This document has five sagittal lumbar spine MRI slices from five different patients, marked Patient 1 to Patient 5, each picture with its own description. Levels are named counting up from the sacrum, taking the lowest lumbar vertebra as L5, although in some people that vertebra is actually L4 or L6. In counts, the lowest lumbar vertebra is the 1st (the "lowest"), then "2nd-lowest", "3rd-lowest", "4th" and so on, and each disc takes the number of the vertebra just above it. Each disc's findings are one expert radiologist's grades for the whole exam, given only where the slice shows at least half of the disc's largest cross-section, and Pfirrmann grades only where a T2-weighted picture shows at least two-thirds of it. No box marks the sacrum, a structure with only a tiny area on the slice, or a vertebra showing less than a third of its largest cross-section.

Patient 1 of 5:
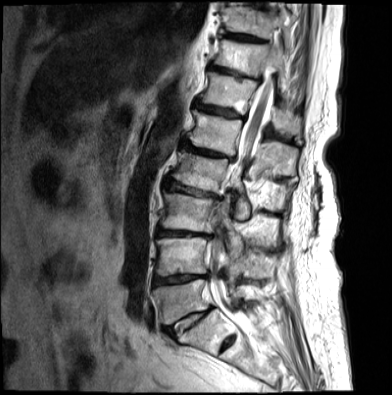 Sagittal T2-weighted lumbar spine MRI; Sex F; Sagittal slice index 8
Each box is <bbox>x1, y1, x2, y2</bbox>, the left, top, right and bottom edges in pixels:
L2/L3 (4th disc) at <bbox>163, 179, 219, 200</bbox>, disc L3/L4 (3rd-lowest disc) at <bbox>155, 227, 210, 239</bbox>, L1 (5th vertebra) at <bbox>187, 110, 297, 180</bbox>, T10 (8th vertebra) at <bbox>218, 2, 294, 49</bbox>, L4/L5 (2nd-lowest disc) at <bbox>151, 275, 206, 286</bbox>, disc T9/T10 (9th disc) at <bbox>238, 1, 263, 8</bbox>, thecal sac / spinal canal at <bbox>207, 62, 275, 327</bbox>, L1/L2 (5th disc) at <bbox>180, 141, 233, 162</bbox>, L5 (lowest vertebra) at <bbox>151, 280, 276, 325</bbox>, L3 (3rd-lowest vertebra) at <bbox>159, 191, 242, 257</bbox>, L2 (4th vertebra) at <bbox>170, 152, 249, 219</bbox>, L5/S1 (lowest disc) at <bbox>164, 308, 211, 340</bbox>, disc T11/T12 (7th disc) at <bbox>208, 65, 245, 76</bbox>, T12 (6th vertebra) at <bbox>200, 72, 302, 136</bbox>, T12/L1 (6th disc) at <bbox>194, 101, 242, 118</bbox>, T11 (7th vertebra) at <bbox>212, 40, 287, 91</bbox>, L4 (2nd-lowest vertebra) at <bbox>154, 237, 243, 281</bbox>, T10/T11 (8th disc) at <bbox>220, 32, 266, 43</bbox>.

Expert MSK radiologist gradings (per disc):
• L3/L4 (3rd-lowest disc): Pfirrmann grade 5, Modic type II, disc narrowing, upper-endplate change, disc bulging, lower-endplate change
• L2/L3 (4th disc): Pfirrmann grade 3, disc bulging, disc narrowing, disc herniation, Modic type II, lower-endplate change, upper-endplate change
• T12/L1 (6th disc): Pfirrmann grade 4, lower-endplate change, disc bulging, disc narrowing, Modic type II, upper-endplate change
• T11/T12 (7th disc): Pfirrmann grade 4, disc bulging, disc narrowing, Modic type II
• L5/S1 (lowest disc): Pfirrmann grade 3, spondylolisthesis, disc bulging, Modic type II, disc narrowing
• L1/L2 (5th disc): Pfirrmann grade 4, Modic type II, lower-endplate change, disc bulging, upper-endplate change, disc narrowing
• L4/L5 (2nd-lowest disc): Pfirrmann grade 5, disc narrowing, disc bulging, Modic type II, upper-endplate change, lower-endplate change
• T10/T11 (8th disc): Pfirrmann grade 4, Modic type II
• T9/T10 (9th disc): no Modic or endplate change, herniation, narrowing, bulging or spondylolisthesis recorded

Patient 2 of 5:
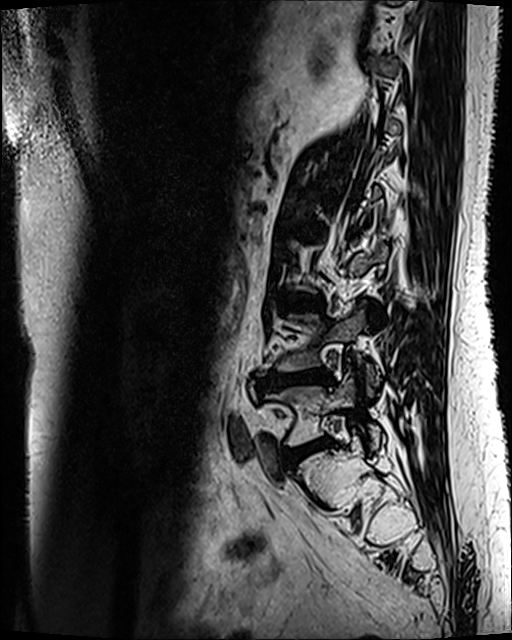
Sex F | Lumbar spine MR, T2 SPACE (3D), sagittal | Image 512x640 | Slice spacing 0.9 mm

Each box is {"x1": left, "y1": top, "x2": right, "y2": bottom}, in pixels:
• L5 (lowest vertebra): {"x1": 271, "y1": 373, "x2": 383, "y2": 447}
• L4 (2nd-lowest vertebra): {"x1": 275, "y1": 312, "x2": 379, "y2": 396}
• disc L4/L5 (2nd-lowest disc): {"x1": 263, "y1": 371, "x2": 332, "y2": 389}
• L3/L4 (3rd-lowest disc): {"x1": 284, "y1": 296, "x2": 320, "y2": 308}
• L5/S1 (lowest disc): {"x1": 283, "y1": 440, "x2": 331, "y2": 466}

Expert MSK radiologist gradings (per disc):
• L4/L5 (2nd-lowest disc): Modic type II, disc bulging, disc narrowing, lower-endplate change, upper-endplate change

Patient 3 of 5:
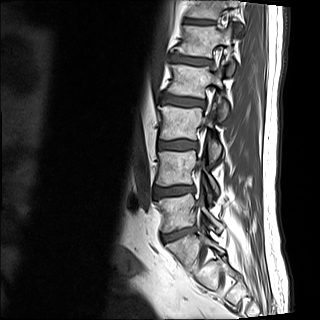 Lumbar spine MR, T1-weighted, sagittal. Image 320x320. Slice 5/15.

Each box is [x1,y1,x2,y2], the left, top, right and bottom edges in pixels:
L2 at [166,62,228,119], L5/S1 at [162,227,195,242], intervertebral disc L2/L3 at [162,95,205,106], intervertebral disc L1/L2 at [171,56,210,65], L4 vertebra at [156,150,219,194], L4/L5 at [154,186,194,198], T12 vertebra at [188,0,239,19], L3/L4 at [158,140,197,149], L1 at [176,24,241,75], intervertebral disc T12/L1 at [187,19,213,24], L5 at [157,193,221,232], L3 at [158,103,221,162].

Radiological gradings:
  L5/S1: lower-endplate change, disc narrowing, Modic type II, disc herniation, upper-endplate change
  L1/L2: lower-endplate change, upper-endplate change, Modic type II
  L2/L3: lower-endplate change, upper-endplate change, Modic type II, disc bulging
  L4/L5: upper-endplate change, lower-endplate change, disc bulging
  L3/L4, T12/L1: no Modic or endplate change, herniation, narrowing, bulging or spondylolisthesis recorded

Patient 4 of 5:
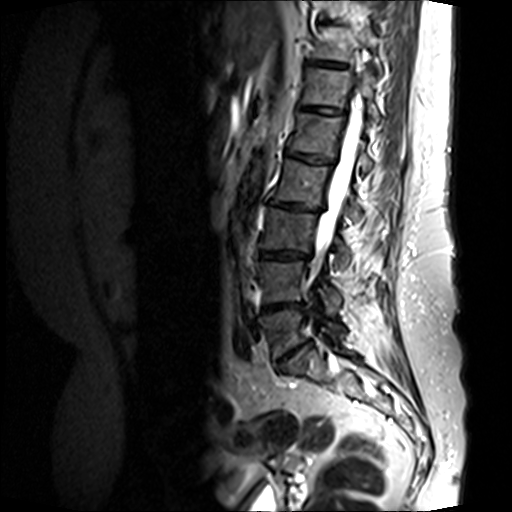 T2-weighted sagittal MRI of the lumbar spine
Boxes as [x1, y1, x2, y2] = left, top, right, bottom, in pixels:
T12 vertebra: [302, 67, 380, 122]
L2: [270, 158, 361, 215]
T11 vertebra: [312, 26, 386, 72]
disc T12/L1: [300, 106, 343, 115]
L1: [288, 112, 372, 172]
L2/L3: [268, 200, 321, 212]
L3 vertebra: [261, 207, 351, 266]
disc T11/T12: [306, 59, 347, 69]
spinal canal: [314, 84, 360, 269]
L5/S1: [277, 339, 312, 369]
disc L1/L2: [284, 149, 334, 165]
L4 vertebra: [259, 261, 341, 313]
L4/L5: [261, 302, 303, 313]
L5: [258, 303, 344, 358]
disc L3/L4: [260, 250, 310, 260]

Expert MSK radiologist gradings (per disc):
- T12/L1: Pfirrmann grade 3
- L5/S1: disc narrowing, Modic type II, disc bulging, upper-endplate change, lower-endplate change
- L4/L5: lower-endplate change, disc bulging, upper-endplate change, Modic type II, disc narrowing
- L3/L4: Pfirrmann grade 5, upper-endplate change, lower-endplate change, disc bulging, disc narrowing, Modic type II
- L1/L2: Pfirrmann grade 4, disc narrowing, Modic type II, disc bulging, upper-endplate change, lower-endplate change
- L2/L3: Pfirrmann grade 5, upper-endplate change, lower-endplate change, Modic type II, disc bulging, disc narrowing
- T11/T12: Pfirrmann grade 2

Patient 5 of 5:
Sagittal T1-weighted lumbar spine MRI. Image 1105x1092. Slice spacing 3.4 mm. Sex F. Slice 13/41.
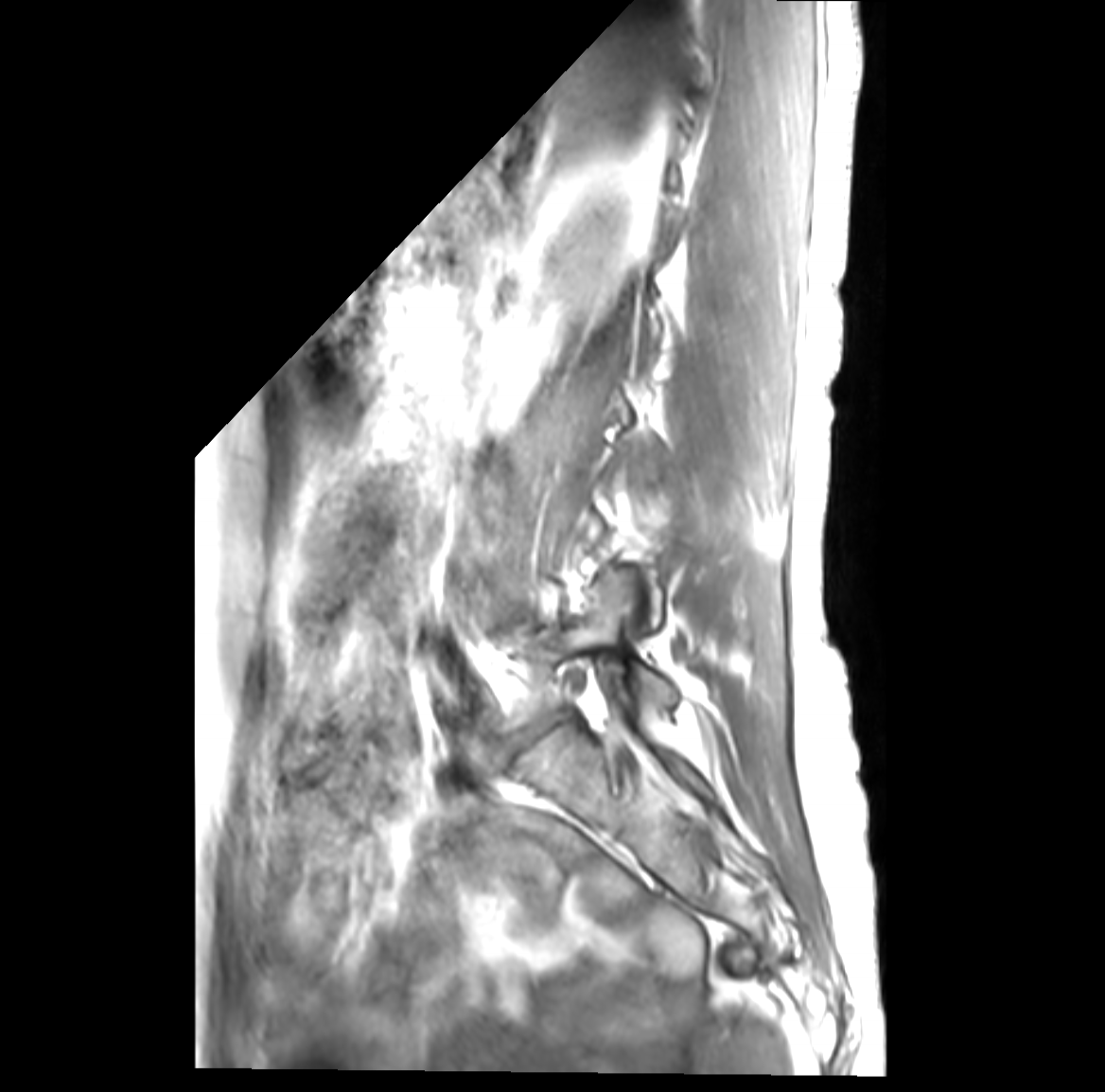

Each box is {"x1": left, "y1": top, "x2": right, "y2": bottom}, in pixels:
Lowest disc at {"x1": 508, "y1": 717, "x2": 553, "y2": 750}, lowest vertebra at {"x1": 506, "y1": 572, "x2": 677, "y2": 728}.